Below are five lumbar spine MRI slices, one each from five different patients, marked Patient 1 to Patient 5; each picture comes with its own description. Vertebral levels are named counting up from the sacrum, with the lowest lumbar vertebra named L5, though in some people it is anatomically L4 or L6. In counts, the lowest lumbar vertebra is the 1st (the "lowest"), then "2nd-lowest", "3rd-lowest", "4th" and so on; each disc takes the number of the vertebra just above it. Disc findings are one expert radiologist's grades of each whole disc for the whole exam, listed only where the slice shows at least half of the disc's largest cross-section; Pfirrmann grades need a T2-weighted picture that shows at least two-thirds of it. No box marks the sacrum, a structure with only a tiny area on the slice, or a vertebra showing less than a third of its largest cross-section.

Patient 1 of 5:
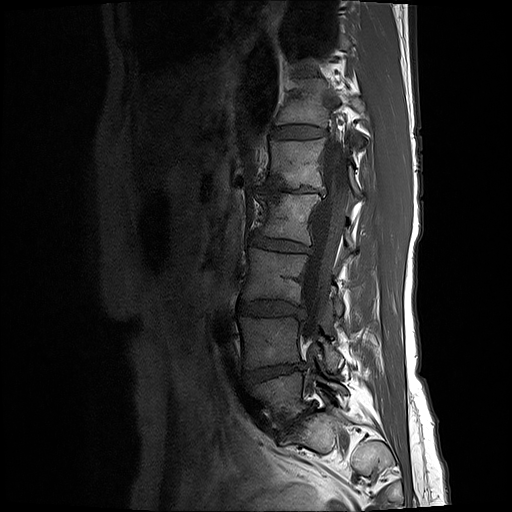
Slice 11 of 25; MRI lumbar spine (T1-weighted), sagittal plane; Slice spacing 3.3 mm

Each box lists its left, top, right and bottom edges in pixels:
L2 vertebra at left=254, top=194, right=355, bottom=250.
IVD L1/L2 at left=257, top=185, right=321, bottom=194.
L4 vertebra at left=239, top=316, right=342, bottom=371.
L5 vertebra at left=248, top=371, right=346, bottom=428.
IVD L2/L3 at left=250, top=231, right=309, bottom=252.
L1 vertebra at left=256, top=140, right=361, bottom=195.
IVD L3/L4 at left=238, top=299, right=303, bottom=316.
Spinal canal at left=302, top=141, right=345, bottom=344.
T12 at left=275, top=79, right=363, bottom=128.
IVD L4/L5 at left=243, top=363, right=303, bottom=382.
IVD L5/S1 at left=276, top=405, right=313, bottom=436.
L3 vertebra at left=243, top=248, right=341, bottom=314.
IVD T12/L1 at left=270, top=124, right=325, bottom=140.

Per-level radiological findings:
- L1/L2: disc bulging, lower-endplate change, Modic type II, upper-endplate change, disc narrowing
- L2/L3: disc bulging, disc narrowing
- L4/L5: disc bulging, Modic type II, disc narrowing
- L3/L4: disc bulging
- T12/L1: no herniation, bulging, narrowing, spondylolisthesis, endplate or Modic change recorded

Patient 2 of 5:
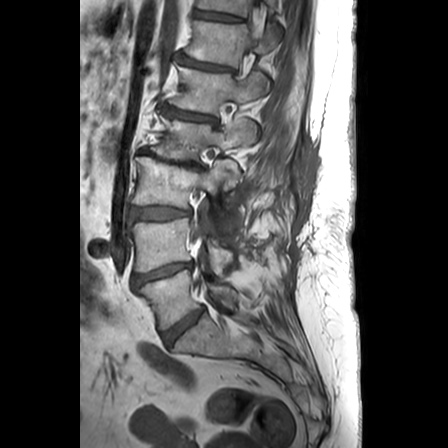 T1-weighted sagittal MRI of the lumbar spine. Slice spacing 3.3 mm.

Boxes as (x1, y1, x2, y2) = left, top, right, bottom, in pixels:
7th disc = (195, 10, 240, 21).
7th vertebra = (198, 0, 276, 16).
6th vertebra = (185, 20, 277, 67).
Lowest vertebra = (137, 270, 237, 329).
3rd-lowest vertebra = (133, 157, 239, 219).
4th disc = (140, 150, 202, 168).
5th vertebra = (171, 66, 269, 114).
6th disc = (178, 56, 234, 72).
3rd-lowest disc = (131, 207, 190, 219).
2nd-lowest disc = (134, 263, 192, 285).
2nd-lowest vertebra = (132, 218, 233, 275).
5th disc = (167, 106, 215, 122).
Lowest disc = (163, 308, 204, 345).
4th vertebra = (152, 118, 256, 161).

Radiological gradings:
- 3rd-lowest disc: disc bulging
- 2nd-lowest disc: disc narrowing, disc bulging
- lowest disc: disc bulging
- 5th disc: disc narrowing, Modic type II
- 6th disc: disc narrowing
- 7th disc: no spondylolisthesis, narrowing, bulging, herniation, Modic or endplate change recorded

Patient 3 of 5:
Patient sex: F. Sagittal T2-weighted lumbar spine MRI. Image 591x598.
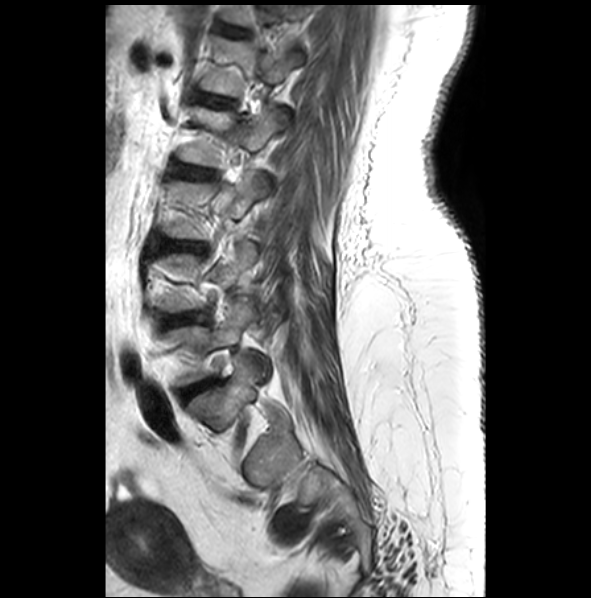

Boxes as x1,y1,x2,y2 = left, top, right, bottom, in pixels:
Annotations:
* L2/L3 (4th disc) — 179,166,211,178
* L2 (4th vertebra) — 178,106,287,166
* L5/S1 (lowest disc) — 183,381,210,398
* T12 (6th vertebra) — 223,5,303,27
* L5 (lowest vertebra) — 166,300,270,386
* L1 (5th vertebra) — 201,37,304,97
* T12/L1 (6th disc) — 223,26,247,36
* intervertebral disc L4/L5 (2nd-lowest disc) — 162,312,206,326
* L3/L4 (3rd-lowest disc) — 164,242,205,254
* intervertebral disc L1/L2 (5th disc) — 195,93,233,107

Per-level radiological findings:
- L3/L4 (3rd-lowest disc): disc narrowing, disc bulging, lower-endplate change, upper-endplate change, Modic type II
- L1/L2 (5th disc): no spondylolisthesis, narrowing, bulging, herniation, Modic or endplate change recorded

Patient 4 of 5:
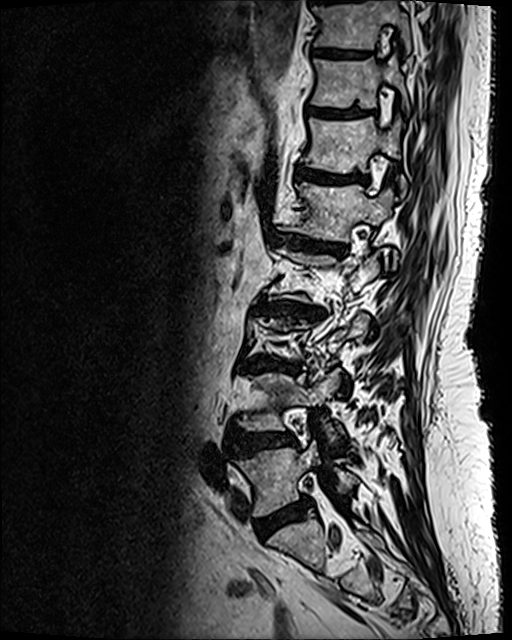

T2 SPACE (3D) sagittal MRI of the lumbar spine
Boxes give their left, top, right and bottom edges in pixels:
Structures:
* 8th disc at left=314, top=49, right=362, bottom=56
* 2nd-lowest vertebra at left=237, top=369, right=342, bottom=444
* 6th disc at left=297, top=168, right=367, bottom=183
* lowest vertebra at left=237, top=441, right=358, bottom=515
* 5th vertebra at left=291, top=182, right=397, bottom=263
* 3rd-lowest disc at left=246, top=358, right=297, bottom=370
* 7th disc at left=307, top=105, right=373, bottom=118
* 6th vertebra at left=304, top=117, right=406, bottom=197
* lowest disc at left=257, top=501, right=306, bottom=537
* 8th vertebra at left=314, top=0, right=410, bottom=53
* 2nd-lowest disc at left=228, top=433, right=295, bottom=456
* 7th vertebra at left=312, top=56, right=409, bottom=111
* 4th disc at left=255, top=298, right=322, bottom=320
* 5th disc at left=269, top=231, right=346, bottom=254

Radiological gradings:
- 6th disc: Pfirrmann grade 4, lower-endplate change, upper-endplate change, Modic type II
- 5th disc: Pfirrmann grade 5, lower-endplate change, disc narrowing, disc bulging, Modic type II, upper-endplate change
- 4th disc: Pfirrmann grade 5, Modic type II, disc bulging, upper-endplate change, disc narrowing, lower-endplate change
- 7th disc: Pfirrmann grade 4, lower-endplate change, upper-endplate change
- 8th disc: Pfirrmann grade 4, upper-endplate change, lower-endplate change
- 2nd-lowest disc: Pfirrmann grade 4, upper-endplate change, disc bulging, lower-endplate change

Patient 5 of 5:
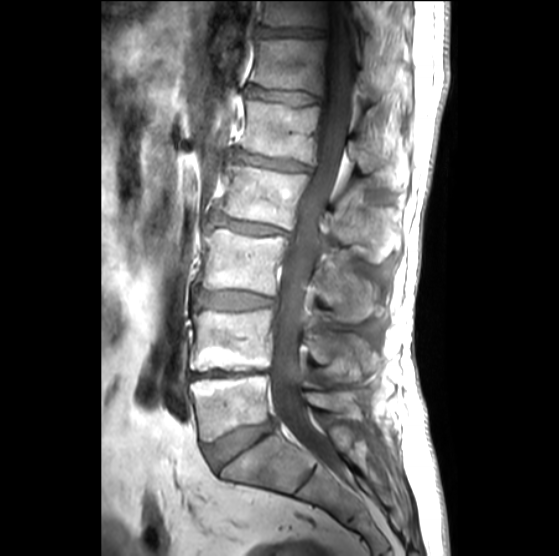 Slice 14 of 27 | Sagittal T1-weighted lumbar spine MRI | Sex M | Slice spacing 3.3 mm
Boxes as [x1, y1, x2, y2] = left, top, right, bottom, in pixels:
{"2nd-lowest disc": "[191, 368, 269, 377]", "3rd-lowest vertebra": "[199, 224, 376, 321]", "5th vertebra": "[235, 101, 409, 185]", "lowest vertebra": "[191, 374, 369, 441]", "4th vertebra": "[220, 162, 398, 261]", "5th disc": "[240, 155, 310, 172]", "6th disc": "[248, 86, 318, 105]", "thecal sac / spinal canal": "[270, 1, 353, 467]", "7th disc": "[257, 26, 324, 37]", "4th disc": "[209, 214, 290, 235]", "3rd-lowest disc": "[193, 290, 276, 309]", "2nd-lowest vertebra": "[190, 308, 376, 370]", "lowest disc": "[205, 420, 273, 468]", "7th vertebra": "[261, 0, 406, 33]", "6th vertebra": "[250, 38, 411, 102]"}

Per-level radiological findings:
• 2nd-lowest disc: disc narrowing, lower-endplate change, Modic type II, upper-endplate change
• 4th disc: disc bulging, disc narrowing, lower-endplate change, Modic type II, upper-endplate change
• 5th disc: disc bulging, lower-endplate change, disc narrowing, upper-endplate change, Modic type III
• 6th disc: disc narrowing
• 3rd-lowest disc: disc bulging
• lowest disc: disc bulging
• 7th disc: disc narrowing